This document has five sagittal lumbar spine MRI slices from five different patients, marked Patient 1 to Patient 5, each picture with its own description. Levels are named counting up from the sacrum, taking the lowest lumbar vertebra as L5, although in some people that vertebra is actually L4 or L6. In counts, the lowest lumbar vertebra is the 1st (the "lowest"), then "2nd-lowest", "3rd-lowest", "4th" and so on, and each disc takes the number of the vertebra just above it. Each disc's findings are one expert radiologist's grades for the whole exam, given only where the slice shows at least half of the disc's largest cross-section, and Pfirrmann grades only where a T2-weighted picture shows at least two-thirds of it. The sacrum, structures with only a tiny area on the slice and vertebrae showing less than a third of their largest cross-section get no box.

Patient 1 of 5:
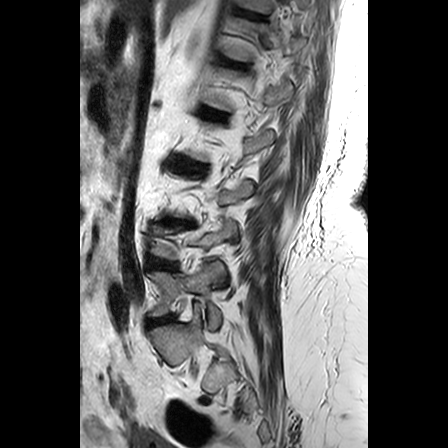

MRI lumbar spine (T2-weighted), sagittal plane. Slice 6 of 24. 448x448 px.
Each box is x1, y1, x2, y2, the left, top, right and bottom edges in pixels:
T11 vertebra — 241, 0, 270, 13 | IVD L4/L5 — 149, 257, 176, 270 | IVD L3/L4 — 164, 220, 182, 224 | IVD L2/L3 — 182, 163, 204, 171 | L5 — 149, 261, 225, 328 | T11/T12 — 239, 11, 263, 19 | L1/L2 — 206, 110, 223, 117 | T12/L1 — 226, 61, 244, 67 | IVD L5/S1 — 148, 315, 173, 325

Patient 2 of 5:
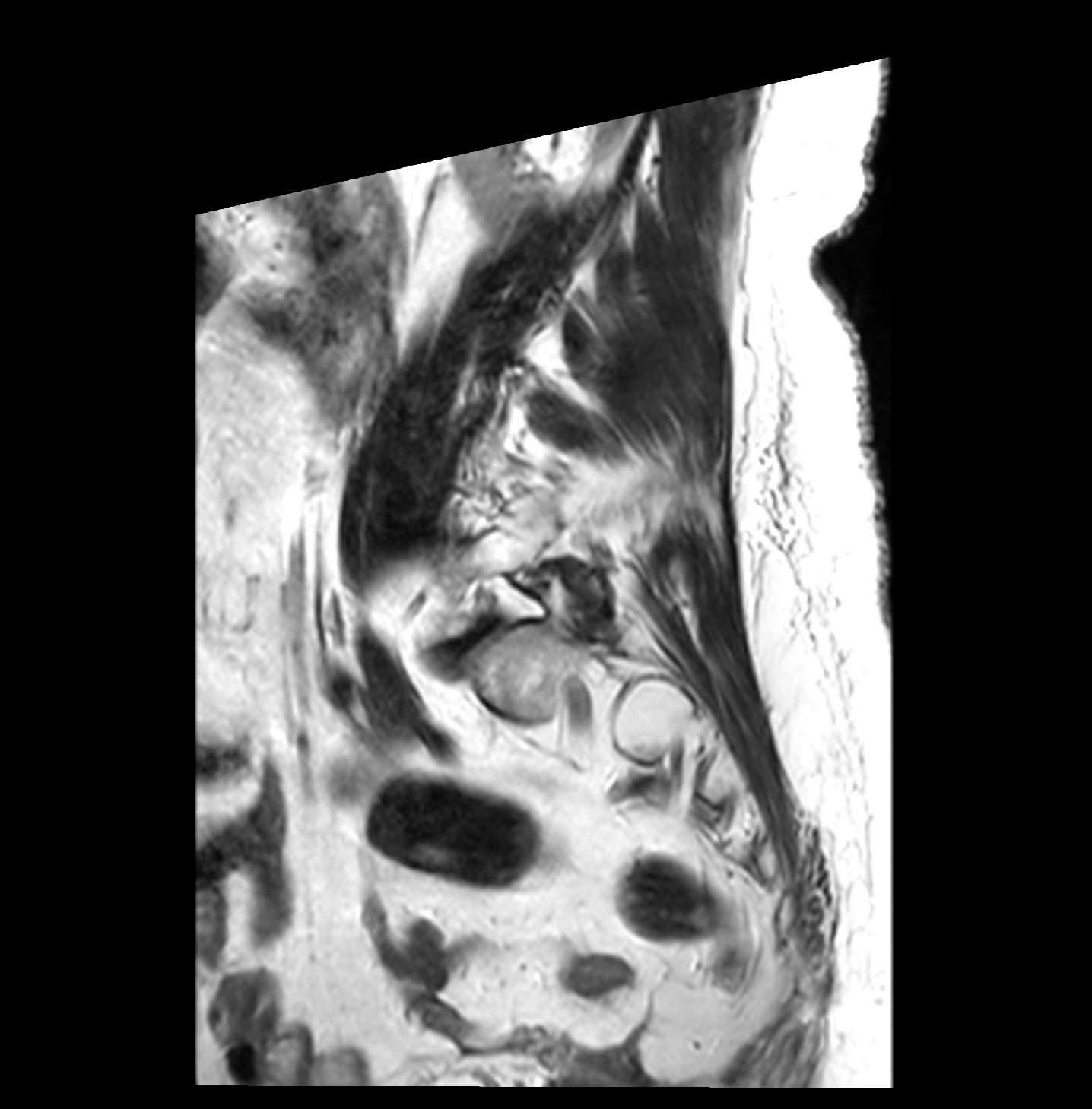

T2-weighted sagittal MRI of the lumbar spine | Image 1092x1109

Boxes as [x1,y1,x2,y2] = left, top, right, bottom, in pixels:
Lowest disc — [459,625,490,648].
Lowest vertebra — [443,511,602,634].

Patient 3 of 5:
Sex F; Field of view 280x280 mm; Image 768x768; MRI lumbar spine (T2-weighted), sagittal plane
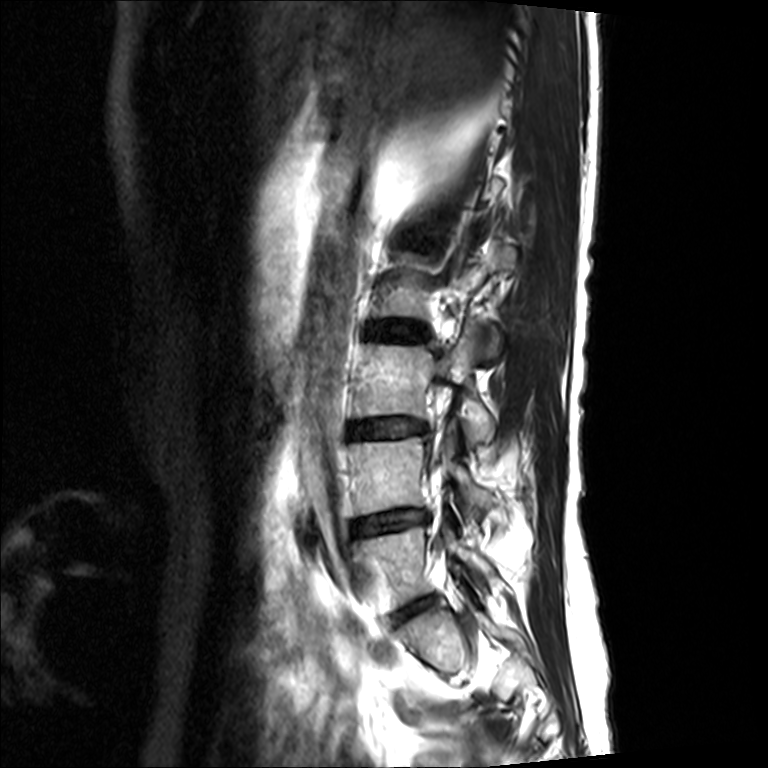 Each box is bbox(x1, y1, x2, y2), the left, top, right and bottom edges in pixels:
L3: bbox(354, 327, 495, 444).
Disc L2/L3: bbox(367, 322, 427, 339).
Disc L4/L5: bbox(354, 510, 427, 535).
Disc L5/S1: bbox(395, 597, 434, 621).
L4 vertebra: bbox(351, 422, 492, 537).
L5 vertebra: bbox(358, 526, 495, 612).
Disc L3/L4: bbox(349, 417, 425, 436).

Expert MSK radiologist gradings (per disc):
- L2/L3: Pfirrmann grade 2, Modic type II
- L4/L5: Pfirrmann grade 4, disc bulging, disc narrowing
- L3/L4: Pfirrmann grade 4, disc bulging, disc narrowing

Patient 4 of 5:
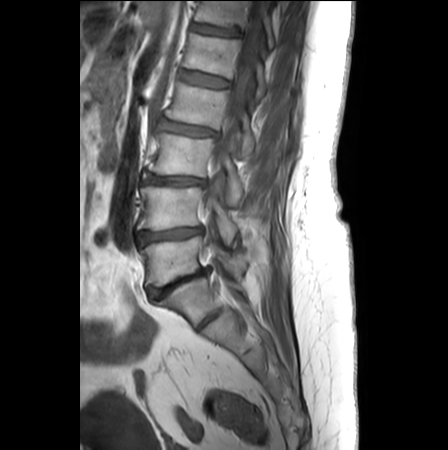 Slice 10 of 25; Sex F; Sagittal T1-weighted lumbar spine MRI
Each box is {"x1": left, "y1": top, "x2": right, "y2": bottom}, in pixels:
L1 — {"x1": 184, "y1": 33, "x2": 266, "y2": 100}.
IVD L2/L3 — {"x1": 155, "y1": 117, "x2": 216, "y2": 136}.
L5 — {"x1": 141, "y1": 235, "x2": 247, "y2": 285}.
IVD L4/L5 — {"x1": 140, "y1": 226, "x2": 202, "y2": 242}.
IVD T12/L1 — {"x1": 192, "y1": 23, "x2": 238, "y2": 35}.
L2 vertebra — {"x1": 165, "y1": 83, "x2": 254, "y2": 157}.
L4 — {"x1": 139, "y1": 176, "x2": 237, "y2": 249}.
T12 vertebra — {"x1": 196, "y1": 1, "x2": 274, "y2": 48}.
L3 vertebra — {"x1": 149, "y1": 133, "x2": 242, "y2": 205}.
L1/L2 — {"x1": 179, "y1": 70, "x2": 229, "y2": 87}.
L5/S1 — {"x1": 149, "y1": 267, "x2": 210, "y2": 297}.
L3/L4 — {"x1": 145, "y1": 174, "x2": 205, "y2": 185}.
Spinal canal — {"x1": 202, "y1": 1, "x2": 264, "y2": 210}.

Radiological gradings:
  L3/L4: lower-endplate change, disc narrowing, Modic type II, disc bulging, upper-endplate change
  L5/S1: upper-endplate change, lower-endplate change, disc narrowing, Modic type II, disc bulging
  T12/L1: lower-endplate change
  L2/L3: Modic type II, disc narrowing, upper-endplate change, lower-endplate change, disc bulging
  L4/L5: lower-endplate change, disc narrowing, disc bulging, upper-endplate change, Modic type II
  L1/L2: no herniation, bulging, narrowing, spondylolisthesis, endplate or Modic change recorded

Patient 5 of 5:
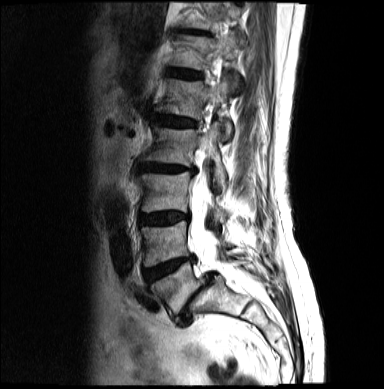 Image 384x389, Slice 12 of 18, Sex F, Lumbar spine MR, T2-weighted, sagittal

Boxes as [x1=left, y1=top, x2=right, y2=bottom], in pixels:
{"intervertebral disc L2/L3 (4th disc)": "[x1=140, y1=163, x2=196, y2=172]", "intervertebral disc L5/S1 (lowest disc)": "[x1=177, y1=274, x2=214, y2=327]", "L5 (lowest vertebra)": "[x1=151, y1=260, x2=250, y2=316]", "intervertebral disc L3/L4 (3rd-lowest disc)": "[x1=140, y1=213, x2=190, y2=225]", "T12 (6th vertebra)": "[x1=173, y1=34, x2=245, y2=79]", "intervertebral disc L1/L2 (5th disc)": "[x1=156, y1=115, x2=196, y2=127]", "T11 (7th vertebra)": "[x1=183, y1=1, x2=241, y2=30]", "L4 (2nd-lowest vertebra)": "[x1=143, y1=220, x2=227, y2=266]", "intervertebral disc T12/L1 (6th disc)": "[x1=170, y1=70, x2=202, y2=79]", "intervertebral disc L4/L5 (2nd-lowest disc)": "[x1=144, y1=256, x2=195, y2=282]", "L1 (5th vertebra)": "[x1=164, y1=75, x2=233, y2=138]", "L2 (4th vertebra)": "[x1=141, y1=122, x2=227, y2=189]", "thecal sac / spinal canal": "[x1=192, y1=182, x2=227, y2=271]", "L3 (3rd-lowest vertebra)": "[x1=138, y1=172, x2=229, y2=224]"}

Radiological gradings:
• L5/S1 (lowest disc): Pfirrmann grade 5, Modic type II, disc narrowing, lower-endplate change, disc herniation, upper-endplate change, disc bulging, spondylolisthesis
• L3/L4 (3rd-lowest disc): Pfirrmann grade 4, disc bulging
• L1/L2 (5th disc): Pfirrmann grade 4, disc bulging, lower-endplate change
• L4/L5 (2nd-lowest disc): Pfirrmann grade 4, Modic type II, disc narrowing
• L2/L3 (4th disc): Pfirrmann grade 4, disc bulging, Modic type II, disc narrowing
• T12/L1 (6th disc): no spondylolisthesis, narrowing, bulging, herniation, Modic or endplate change recorded